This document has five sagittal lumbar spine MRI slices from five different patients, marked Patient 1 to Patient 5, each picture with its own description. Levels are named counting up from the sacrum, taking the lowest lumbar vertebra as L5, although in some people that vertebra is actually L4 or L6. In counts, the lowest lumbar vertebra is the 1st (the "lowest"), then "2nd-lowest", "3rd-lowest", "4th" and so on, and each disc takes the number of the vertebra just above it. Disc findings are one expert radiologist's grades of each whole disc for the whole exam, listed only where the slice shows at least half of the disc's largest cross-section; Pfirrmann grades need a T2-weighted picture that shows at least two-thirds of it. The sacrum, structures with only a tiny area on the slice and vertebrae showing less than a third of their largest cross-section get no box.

Patient 1 of 5:
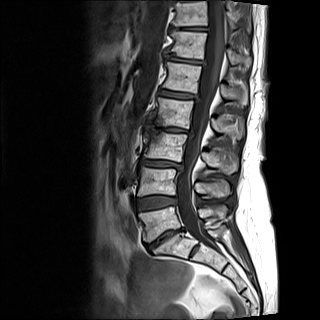

MRI lumbar spine (T1-weighted), sagittal plane | Slice 8 of 15
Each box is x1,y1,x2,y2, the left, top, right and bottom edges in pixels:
T12 vertebra: 167,1,249,64
IVD T11/T12: 170,25,209,31
L4: 138,167,229,197
L1: 162,61,241,100
IVD L2/L3: 147,124,188,133
IVD L5/S1: 146,227,184,248
IVD L4/L5: 136,196,176,209
IVD L1/L2: 159,89,196,99
T11: 172,1,237,29
L5 vertebra: 138,205,226,242
L2 vertebra: 153,97,244,139
spinal canal: 177,0,224,247
IVD L3/L4: 140,159,182,169
T12/L1: 164,54,205,65
L3 vertebra: 143,128,238,174

Radiological gradings:
- T11/T12: lower-endplate change, upper-endplate change, Modic type II, disc bulging, disc narrowing
- L3/L4: disc bulging, Modic type II, upper-endplate change, disc narrowing, lower-endplate change
- L5/S1: lower-endplate change, Modic type II, upper-endplate change, disc narrowing, disc bulging
- L2/L3: lower-endplate change, upper-endplate change, disc narrowing, disc bulging, Modic type III
- L4/L5: disc bulging, Modic type II, upper-endplate change, lower-endplate change
- T12/L1: disc bulging, upper-endplate change, Modic type III, disc narrowing, lower-endplate change
- L1/L2: upper-endplate change, lower-endplate change, Modic type II, disc bulging

Patient 2 of 5:
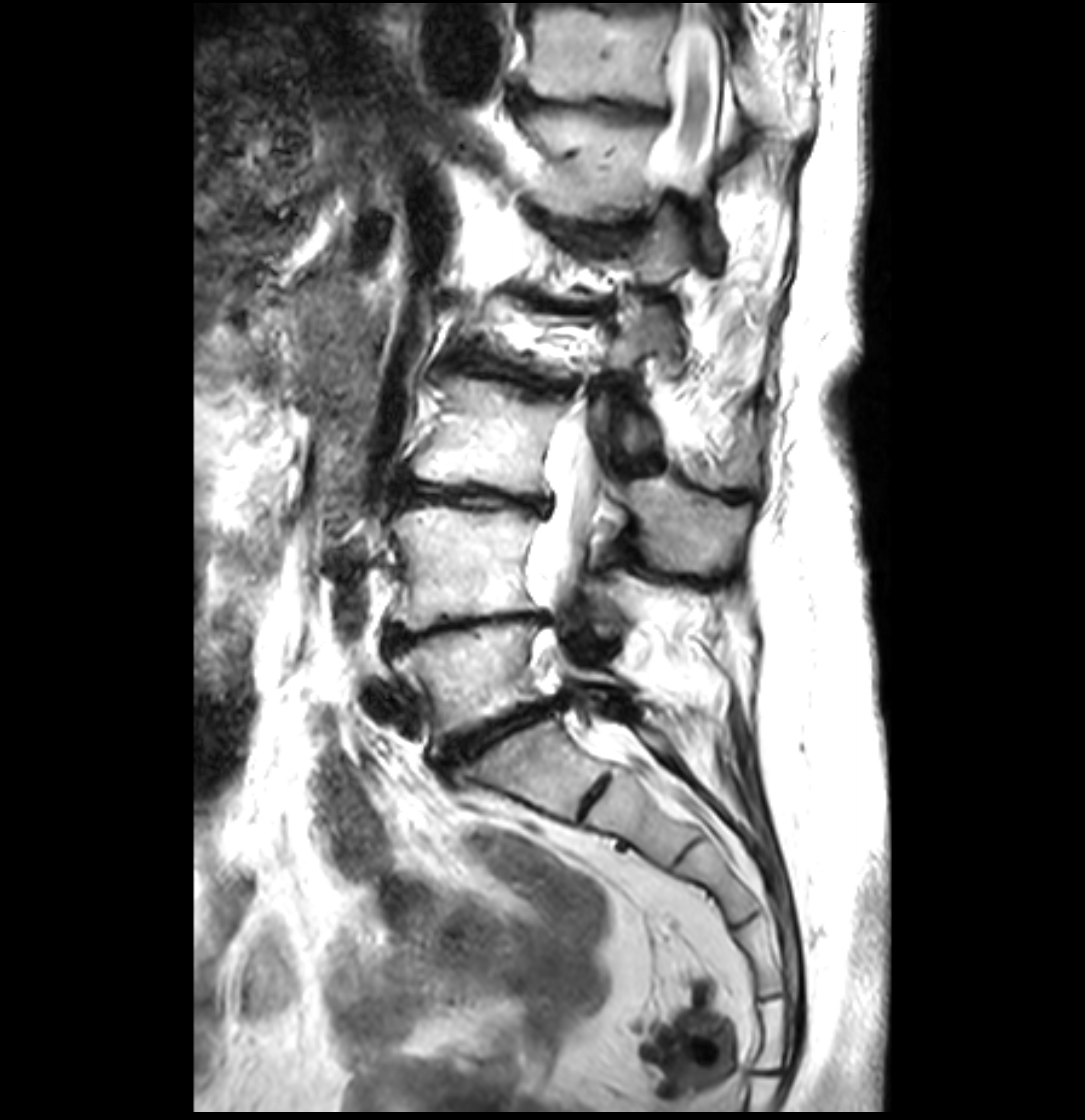

Sagittal slice index 19 | MRI lumbar spine (T2-weighted), sagittal plane
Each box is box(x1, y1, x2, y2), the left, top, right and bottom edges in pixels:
T11/T12 = box(508, 79, 670, 120) | T12 vertebra = box(526, 111, 721, 266) | IVD L4/L5 = box(387, 610, 552, 648) | L5 = box(392, 620, 617, 755) | spinal canal = box(535, 32, 721, 620) | L4 vertebra = box(387, 504, 620, 632) | IVD L2/L3 = box(463, 357, 571, 397) | L3/L4 = box(400, 483, 554, 514) | T11 = box(530, 11, 772, 127) | IVD L5/S1 = box(441, 693, 567, 770) | L1/L2 = box(533, 297, 598, 314) | L3 = box(412, 378, 748, 567)

Per-level radiological findings:
• L5/S1: Pfirrmann grade 5, disc narrowing, upper-endplate change, disc herniation, Modic type II, lower-endplate change, disc bulging
• L3/L4: Pfirrmann grade 5, upper-endplate change, disc narrowing, disc bulging, lower-endplate change, Modic type II
• T11/T12: lower-endplate change, Modic type II, disc narrowing, upper-endplate change, disc bulging

Patient 3 of 5:
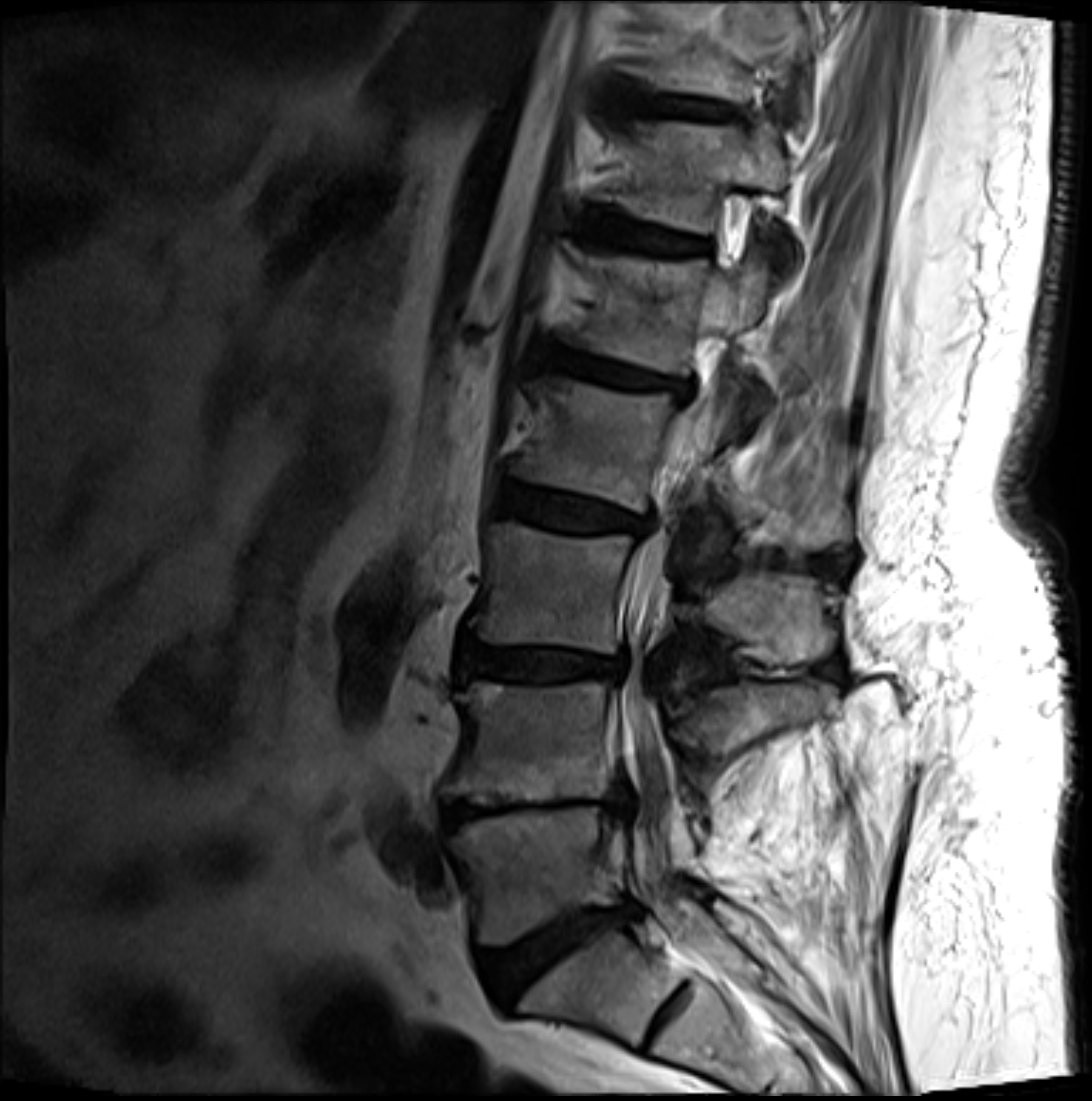 MRI lumbar spine (T2-weighted), sagittal plane, Field of view 280x282 mm, slice spacing 9.6 mm, Slice 4 of 8
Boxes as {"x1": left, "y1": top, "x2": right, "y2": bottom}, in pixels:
intervertebral disc L5/S1 at {"x1": 478, "y1": 910, "x2": 622, "y2": 1007} | L1 at {"x1": 566, "y1": 254, "x2": 770, "y2": 444} | spinal canal at {"x1": 606, "y1": 305, "x2": 739, "y2": 976} | L5 vertebra at {"x1": 449, "y1": 808, "x2": 747, "y2": 947} | L3/L4 at {"x1": 461, "y1": 646, "x2": 622, "y2": 683} | L2 at {"x1": 509, "y1": 380, "x2": 850, "y2": 556} | L4/L5 at {"x1": 441, "y1": 795, "x2": 628, "y2": 829} | L3 at {"x1": 466, "y1": 525, "x2": 816, "y2": 657} | intervertebral disc L2/L3 at {"x1": 495, "y1": 485, "x2": 639, "y2": 532} | T11/T12 at {"x1": 620, "y1": 91, "x2": 739, "y2": 123} | T12 at {"x1": 606, "y1": 122, "x2": 799, "y2": 268} | intervertebral disc T12/L1 at {"x1": 583, "y1": 217, "x2": 708, "y2": 259} | L4 vertebra at {"x1": 447, "y1": 683, "x2": 708, "y2": 813} | intervertebral disc L1/L2 at {"x1": 543, "y1": 347, "x2": 685, "y2": 395}

Radiological gradings:
- T11/T12: Pfirrmann grade 4, lower-endplate change, Modic type II, disc bulging, upper-endplate change
- L2/L3: Pfirrmann grade 3, Modic type II, lower-endplate change, disc bulging, upper-endplate change
- L1/L2: Pfirrmann grade 4, Modic type II, upper-endplate change, disc bulging, lower-endplate change
- L5/S1: Pfirrmann grade 4, disc bulging, upper-endplate change, disc narrowing, Modic type II, lower-endplate change
- T12/L1: Pfirrmann grade 3, Modic type II, lower-endplate change, upper-endplate change
- L3/L4: Pfirrmann grade 3, disc bulging, disc narrowing, lower-endplate change, upper-endplate change, Modic type II
- L4/L5: Pfirrmann grade 5, disc bulging, upper-endplate change, Modic type II, disc narrowing, lower-endplate change

Patient 4 of 5:
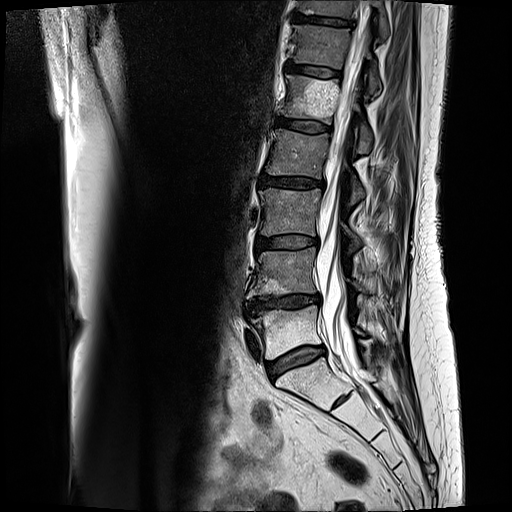

Sex F. Sagittal T2-weighted lumbar spine MRI.
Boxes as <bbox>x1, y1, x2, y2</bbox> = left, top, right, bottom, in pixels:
L5/S1 at <bbox>267, 346, 326, 380</bbox>, disc L2/L3 at <bbox>260, 174, 325, 188</bbox>, L3/L4 at <bbox>257, 237, 318, 249</bbox>, L1/L2 at <bbox>276, 118, 330, 131</bbox>, T11 at <bbox>298, 0, 388, 39</bbox>, T12 vertebra at <bbox>294, 25, 378, 93</bbox>, disc T11/T12 at <bbox>294, 14, 354, 25</bbox>, thecal sac / spinal canal at <bbox>316, 35, 365, 375</bbox>, L4/L5 at <bbox>245, 295, 320, 315</bbox>, L4 vertebra at <bbox>247, 247, 366, 297</bbox>, T12/L1 at <bbox>286, 62, 340, 77</bbox>, L1 at <bbox>279, 75, 373, 153</bbox>, L5 at <bbox>251, 306, 365, 358</bbox>, L3 at <bbox>259, 187, 362, 246</bbox>, L2 vertebra at <bbox>266, 130, 365, 201</bbox>.

Degenerative findings by level:
- L2/L3: Pfirrmann grade 3, Modic type II, disc bulging
- T11/T12: Pfirrmann grade 4, upper-endplate change, Modic type II, lower-endplate change
- L1/L2: Pfirrmann grade 3, Modic type II
- T12/L1: Pfirrmann grade 3, Modic type II
- L5/S1: Pfirrmann grade 3, Modic type II, disc bulging
- L3/L4: Pfirrmann grade 3, Modic type II, disc bulging
- L4/L5: Pfirrmann grade 4, Modic type II, disc narrowing, disc bulging, lower-endplate change, upper-endplate change

Patient 5 of 5:
MRI lumbar spine (T2 SPACE (3D)), sagittal plane | Image 512x652 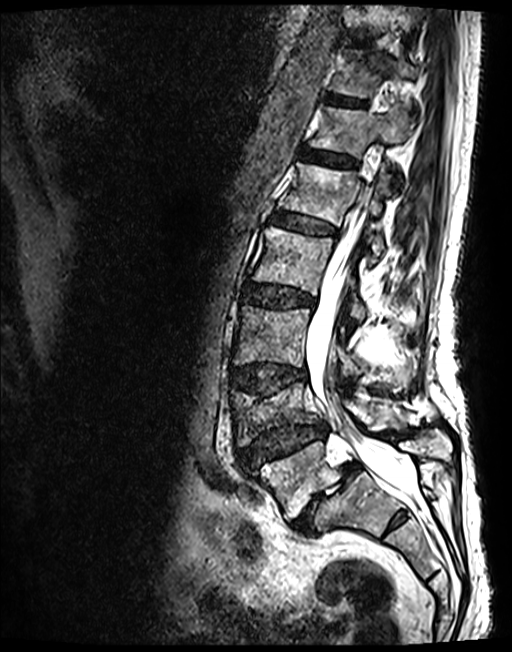 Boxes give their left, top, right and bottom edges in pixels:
* L4 vertebra: left=230, top=383, right=406, bottom=446
* T12: left=310, top=105, right=414, bottom=156
* T10/T11: left=351, top=39, right=367, bottom=46
* T11: left=331, top=51, right=419, bottom=98
* L3/L4: left=230, top=364, right=305, bottom=395
* disc T12/L1: left=301, top=150, right=356, bottom=166
* T11/T12: left=328, top=94, right=365, bottom=107
* thecal sac / spinal canal: left=306, top=196, right=408, bottom=495
* disc L4/L5: left=239, top=424, right=325, bottom=468
* L5: left=253, top=430, right=451, bottom=519
* L5/S1: left=291, top=461, right=360, bottom=535
* L2 vertebra: left=252, top=226, right=365, bottom=321
* L3: left=235, top=305, right=406, bottom=387
* disc L2/L3: left=245, top=284, right=314, bottom=307
* L1: left=279, top=163, right=391, bottom=262
* disc L1/L2: left=272, top=213, right=336, bottom=235

Radiological gradings:
  L1/L2: Pfirrmann grade 3
  L4/L5: Pfirrmann grade 3, disc narrowing, upper-endplate change, spondylolisthesis, disc herniation, lower-endplate change
  L2/L3: Pfirrmann grade 3, disc bulging
  L5/S1: Pfirrmann grade 5, Modic type II, spondylolisthesis, disc narrowing, disc herniation
  L3/L4: Pfirrmann grade 3, lower-endplate change, disc bulging, upper-endplate change
  T12/L1: no Modic or endplate change, herniation, narrowing, bulging or spondylolisthesis recorded